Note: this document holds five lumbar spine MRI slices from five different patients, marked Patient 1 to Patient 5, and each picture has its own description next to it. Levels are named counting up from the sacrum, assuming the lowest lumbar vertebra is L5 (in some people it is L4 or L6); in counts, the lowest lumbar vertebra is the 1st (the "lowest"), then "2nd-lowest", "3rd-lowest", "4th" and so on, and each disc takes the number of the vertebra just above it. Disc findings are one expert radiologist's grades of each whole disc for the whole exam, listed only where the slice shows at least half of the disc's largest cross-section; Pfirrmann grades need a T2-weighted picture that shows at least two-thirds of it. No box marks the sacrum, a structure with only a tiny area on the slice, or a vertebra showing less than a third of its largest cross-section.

Patient 1 of 5:
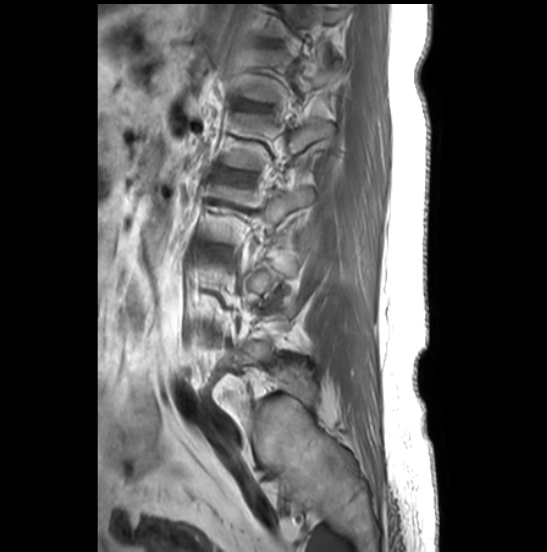 Sex F. T1-weighted sagittal MRI of the lumbar spine. Slice 22 of 27.

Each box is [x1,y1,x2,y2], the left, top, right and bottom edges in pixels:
Structures:
* 4th disc: [225,173,236,180]
* 6th vertebra: [261,3,341,37]

Patient 2 of 5:
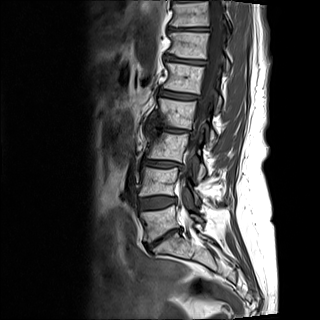 Image 320x320, Sagittal T1-weighted lumbar spine MRI
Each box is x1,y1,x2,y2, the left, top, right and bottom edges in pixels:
* disc T12/L1 at 165,54,206,66
* T12 at 168,0,229,70
* L2/L3 at 150,125,190,133
* L5 vertebra at 141,205,203,242
* disc L4/L5 at 139,197,175,209
* T11/T12 at 168,26,209,31
* disc L3/L4 at 143,159,182,168
* disc L1/L2 at 159,88,198,100
* L1 at 163,62,221,114
* L5/S1 at 147,228,181,248
* T11 at 170,1,228,26
* L3 at 146,128,205,180
* L2 at 157,98,217,146
* L4 vertebra at 140,167,199,203
* thecal sac / spinal canal at 180,0,222,207

Expert MSK radiologist gradings (per disc):
  T11/T12: disc bulging, disc narrowing, lower-endplate change, Modic type II, upper-endplate change
  L4/L5: lower-endplate change, Modic type II, upper-endplate change, disc bulging
  T12/L1: disc bulging, upper-endplate change, lower-endplate change, disc narrowing, Modic type III
  L1/L2: lower-endplate change, Modic type II, upper-endplate change, disc bulging
  L5/S1: disc bulging, disc narrowing, lower-endplate change, Modic type II, upper-endplate change
  L2/L3: Modic type III, disc narrowing, lower-endplate change, disc bulging, upper-endplate change
  L3/L4: lower-endplate change, upper-endplate change, disc narrowing, disc bulging, Modic type II

Patient 3 of 5:
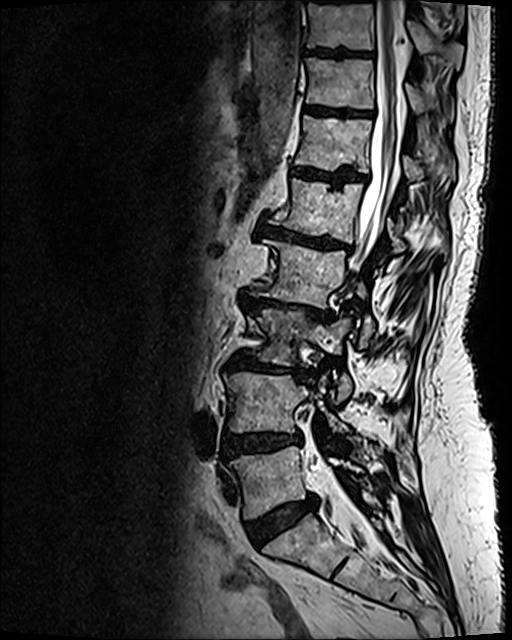 Lumbar spine MR, T2 SPACE (3D), sagittal; Patient sex: F

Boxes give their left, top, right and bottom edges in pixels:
L4: left=225, top=372, right=347, bottom=433.
L3 vertebra: left=255, top=309, right=351, bottom=399.
Disc L4/L5: left=223, top=433, right=301, bottom=458.
Disc T11/T12: left=306, top=107, right=373, bottom=117.
L5: left=229, top=445, right=363, bottom=518.
T12/L1: left=292, top=169, right=366, bottom=185.
T10: left=307, top=0, right=462, bottom=66.
T11 vertebra: left=306, top=58, right=453, bottom=120.
T12 vertebra: left=295, top=115, right=453, bottom=187.
Thecal sac / spinal canal: left=313, top=0, right=399, bottom=535.
Disc L1/L2: left=259, top=224, right=349, bottom=249.
L1: left=272, top=179, right=405, bottom=252.
L2/L3: left=240, top=293, right=333, bottom=322.
Disc L3/L4: left=229, top=353, right=305, bottom=377.
L5/S1: left=246, top=495, right=316, bottom=544.
T10/T11: left=307, top=49, right=355, bottom=57.
L2: left=264, top=239, right=374, bottom=346.

Per-level radiological findings:
• T10/T11: Pfirrmann grade 4, upper-endplate change, lower-endplate change
• L4/L5: Pfirrmann grade 4, lower-endplate change, disc bulging, upper-endplate change
• T11/T12: Pfirrmann grade 4, upper-endplate change, lower-endplate change
• T12/L1: Pfirrmann grade 4, Modic type II, lower-endplate change, upper-endplate change
• L2/L3: Pfirrmann grade 5, disc bulging, lower-endplate change, disc narrowing, Modic type II, upper-endplate change
• L5/S1: Pfirrmann grade 4, disc bulging
• L1/L2: Pfirrmann grade 5, upper-endplate change, Modic type II, lower-endplate change, disc narrowing, disc bulging
• L3/L4: Modic type II, lower-endplate change, upper-endplate change, disc narrowing, disc bulging

Patient 4 of 5:
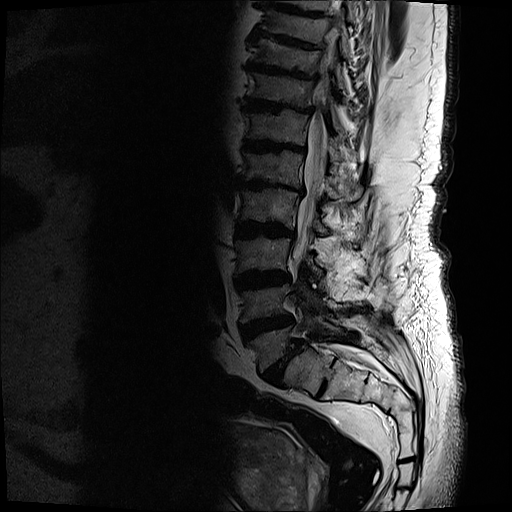 Slice spacing 3.3 mm, T2-weighted sagittal MRI of the lumbar spine, Sagittal slice index 11
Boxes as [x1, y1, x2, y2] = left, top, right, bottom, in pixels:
Segmented structures:
- spinal canal: [293, 24, 338, 265]
- T9/T10 (9th disc): [251, 35, 326, 51]
- L2 (4th vertebra): [240, 187, 329, 236]
- L4/L5 (2nd-lowest disc): [239, 315, 295, 341]
- L5/S1 (lowest disc): [263, 342, 302, 385]
- L4 (2nd-lowest vertebra): [241, 273, 322, 323]
- T12 (6th vertebra): [247, 110, 341, 161]
- L1/L2 (5th disc): [236, 179, 304, 197]
- L2/L3 (4th disc): [236, 222, 294, 237]
- T11 (7th vertebra): [251, 71, 341, 129]
- T10 (8th vertebra): [256, 38, 346, 92]
- intervertebral disc L3/L4 (3rd-lowest disc): [235, 271, 290, 290]
- L1 (5th vertebra): [244, 150, 363, 199]
- L5 (lowest vertebra): [248, 312, 343, 371]
- T11/T12 (7th disc): [244, 97, 314, 114]
- L3 (3rd-lowest vertebra): [235, 237, 323, 280]
- T10/T11 (8th disc): [249, 60, 319, 82]
- T12/L1 (6th disc): [246, 138, 306, 153]

Per-level radiological findings:
• T11/T12 (7th disc): Pfirrmann grade 5, lower-endplate change, upper-endplate change, Modic type II, disc narrowing, disc bulging
• T10/T11 (8th disc): Pfirrmann grade 5, lower-endplate change, upper-endplate change, disc bulging, Modic type II, disc narrowing
• T9/T10 (9th disc): Pfirrmann grade 5, upper-endplate change, disc narrowing, disc bulging, lower-endplate change, Modic type II
• T12/L1 (6th disc): Pfirrmann grade 5, upper-endplate change, disc bulging, lower-endplate change, disc narrowing, Modic type II
• L1/L2 (5th disc): disc narrowing, Modic type II, upper-endplate change, lower-endplate change, disc bulging
• L5/S1 (lowest disc): Pfirrmann grade 5, lower-endplate change, Modic type II, spondylolisthesis, upper-endplate change, disc narrowing, disc bulging
• L4/L5 (2nd-lowest disc): Pfirrmann grade 5, disc bulging, Modic type II, lower-endplate change, upper-endplate change, disc narrowing
• L2/L3 (4th disc): Pfirrmann grade 5, disc narrowing, lower-endplate change, disc bulging, upper-endplate change, Modic type II
• L3/L4 (3rd-lowest disc): Pfirrmann grade 5, Modic type II, upper-endplate change, lower-endplate change, disc narrowing, disc bulging

Patient 5 of 5:
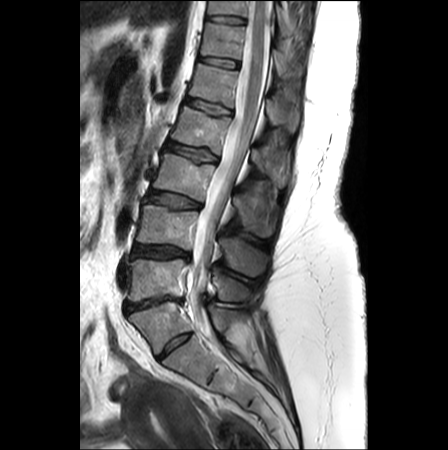
448x450 px, Patient sex: F, Lumbar spine MR, T2-weighted, sagittal
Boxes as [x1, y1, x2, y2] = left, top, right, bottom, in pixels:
- 3rd-lowest disc: [147, 190, 200, 207]
- 5th vertebra: [189, 63, 299, 133]
- lowest vertebra: [127, 259, 250, 301]
- lowest disc: [124, 297, 182, 312]
- 3rd-lowest vertebra: [153, 153, 274, 237]
- 6th disc: [200, 57, 237, 68]
- 5th disc: [186, 98, 230, 115]
- spinal canal: [187, 1, 272, 336]
- 7th disc: [208, 15, 244, 23]
- 6th vertebra: [201, 22, 301, 76]
- 4th disc: [166, 141, 217, 162]
- 2nd-lowest vertebra: [136, 204, 266, 277]
- 4th vertebra: [171, 106, 287, 187]
- 7th vertebra: [208, 1, 285, 31]
- 2nd-lowest disc: [131, 244, 190, 261]

Expert MSK radiologist gradings (per disc):
• 5th disc: Pfirrmann grade 2, upper-endplate change, lower-endplate change
• lowest disc: Pfirrmann grade 5, spondylolisthesis, disc bulging, disc narrowing, Modic type II
• 3rd-lowest disc: Pfirrmann grade 3, Modic type II, disc bulging
• 6th disc: Pfirrmann grade 1
• 4th disc: Pfirrmann grade 2, upper-endplate change, lower-endplate change
• 7th disc: Pfirrmann grade 1
• 2nd-lowest disc: Pfirrmann grade 4, disc bulging, disc herniation